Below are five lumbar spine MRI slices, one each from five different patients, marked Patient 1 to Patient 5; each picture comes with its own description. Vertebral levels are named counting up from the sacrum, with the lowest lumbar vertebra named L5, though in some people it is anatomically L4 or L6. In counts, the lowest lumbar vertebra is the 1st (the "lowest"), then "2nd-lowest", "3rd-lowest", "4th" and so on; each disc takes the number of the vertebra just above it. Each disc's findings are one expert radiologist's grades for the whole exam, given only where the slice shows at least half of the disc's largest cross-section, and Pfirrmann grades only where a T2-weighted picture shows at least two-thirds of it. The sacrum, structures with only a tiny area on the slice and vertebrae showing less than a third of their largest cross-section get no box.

Patient 1 of 5:
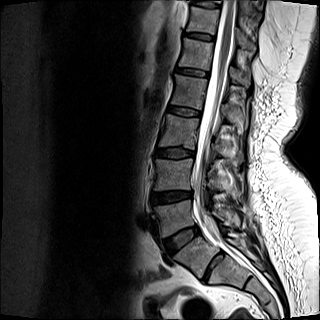 MRI lumbar spine (T2-weighted), sagittal plane. Field of view 280x280 mm, slice spacing 4.8 mm.

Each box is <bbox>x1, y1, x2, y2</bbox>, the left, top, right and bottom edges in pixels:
T12 (6th vertebra) = <bbox>186, 6, 255, 51</bbox>.
L1 (5th vertebra) = <bbox>179, 38, 249, 87</bbox>.
Thecal sac / spinal canal = <bbox>195, 0, 234, 243</bbox>.
Disc L4/L5 (2nd-lowest disc) = <bbox>153, 191, 192, 204</bbox>.
L5 (lowest vertebra) = <bbox>154, 200, 239, 237</bbox>.
L2 (4th vertebra) = <bbox>171, 74, 248, 128</bbox>.
L4 (2nd-lowest vertebra) = <bbox>154, 158, 223, 190</bbox>.
Disc L2/L3 (4th disc) = <bbox>168, 106, 200, 116</bbox>.
Disc L3/L4 (3rd-lowest disc) = <bbox>156, 148, 194, 158</bbox>.
L3 (3rd-lowest vertebra) = <bbox>159, 114, 243, 162</bbox>.
T12/L1 (6th disc) = <bbox>184, 32, 214, 40</bbox>.
L5/S1 (lowest disc) = <bbox>164, 226, 200, 255</bbox>.
L1/L2 (5th disc) = <bbox>175, 68, 209, 77</bbox>.

Expert MSK radiologist gradings (per disc):
  L4/L5 (2nd-lowest disc): Pfirrmann grade 3, disc narrowing, disc bulging, Modic type II
  T12/L1 (6th disc): Pfirrmann grade 2
  L3/L4 (3rd-lowest disc): Pfirrmann grade 2, lower-endplate change
  L2/L3 (4th disc): Pfirrmann grade 2
  L1/L2 (5th disc): Pfirrmann grade 2
  L5/S1 (lowest disc): Pfirrmann grade 2

Patient 2 of 5:
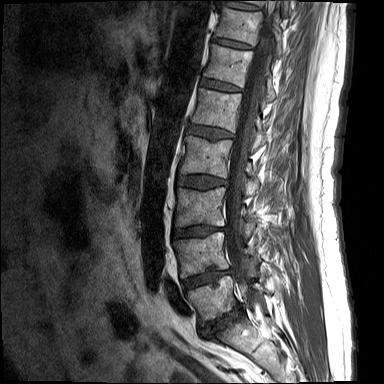
Slice 9/15, MRI lumbar spine (T1-weighted), sagittal plane, Field of view 280x280 mm, Image 384x384
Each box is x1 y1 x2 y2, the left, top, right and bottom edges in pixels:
thecal sac / spinal canal: 226 1 275 319
8th disc: 221 1 260 10
6th vertebra: 204 44 275 101
7th vertebra: 215 6 282 56
8th vertebra: 243 0 288 16
5th disc: 188 124 233 140
lowest disc: 201 305 242 332
lowest vertebra: 187 276 266 324
6th disc: 201 78 240 90
3rd-lowest vertebra: 175 187 255 233
2nd-lowest disc: 183 269 233 290
3rd-lowest disc: 173 225 227 236
7th disc: 213 38 252 49
5th vertebra: 192 88 268 150
4th vertebra: 180 136 259 194
4th disc: 178 175 227 189
2nd-lowest vertebra: 174 232 260 278

Degenerative findings by level:
  2nd-lowest disc: Modic type II, lower-endplate change, disc narrowing, disc bulging, upper-endplate change
  4th disc: disc bulging
  5th disc: disc bulging, upper-endplate change
  3rd-lowest disc: lower-endplate change, disc bulging, disc narrowing, upper-endplate change
  lowest disc: lower-endplate change, disc narrowing, upper-endplate change, disc bulging, Modic type II
  7th disc, 8th disc, 6th disc: no herniation, bulging, narrowing, spondylolisthesis, endplate or Modic change recorded

Patient 3 of 5:
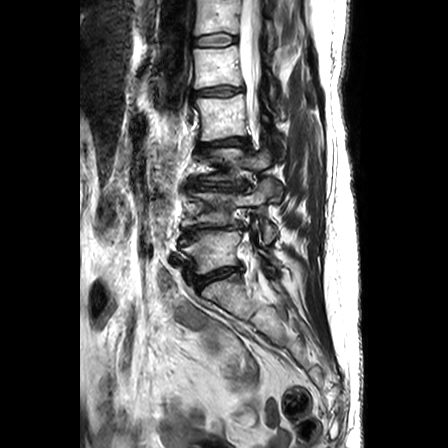
Sagittal T2-weighted lumbar spine MRI, 448x448 px
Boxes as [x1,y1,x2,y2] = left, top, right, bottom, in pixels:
Segmented structures:
• intervertebral disc L2/L3 at [197,136,249,151]
• L4 vertebra at [182,179,281,243]
• intervertebral disc L3/L4 at [191,180,247,189]
• L1 vertebra at [194,45,276,100]
• L3 at [197,146,271,180]
• T12 at [195,0,275,51]
• L1/L2 at [193,86,242,96]
• thecal sac / spinal canal at [240,0,261,124]
• intervertebral disc L4/L5 at [183,223,242,240]
• L5 vertebra at [182,230,278,274]
• intervertebral disc L5/S1 at [194,266,242,289]
• intervertebral disc T12/L1 at [193,34,238,45]
• L2 at [193,94,285,157]

Per-level radiological findings:
• L5/S1: Pfirrmann grade 3, lower-endplate change, upper-endplate change, disc bulging, disc narrowing
• L1/L2: Pfirrmann grade 2, disc bulging
• T12/L1: Pfirrmann grade 1
• L2/L3: Pfirrmann grade 3, disc narrowing, lower-endplate change, disc bulging, upper-endplate change
• L3/L4: Pfirrmann grade 5, disc narrowing, upper-endplate change, disc bulging, lower-endplate change, Modic type II
• L4/L5: upper-endplate change, Modic type II, lower-endplate change, disc bulging, disc narrowing

Patient 4 of 5:
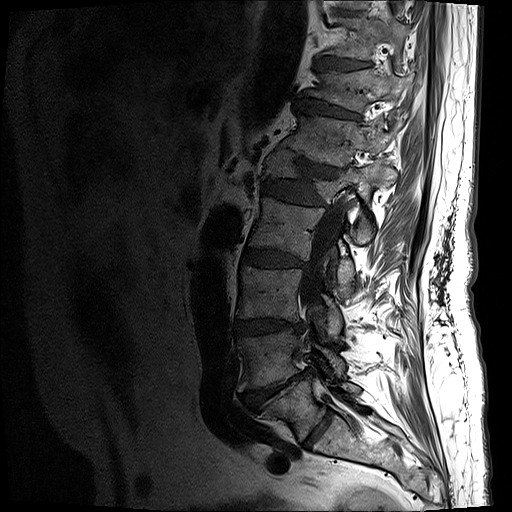
512x512 px, Sagittal T1-weighted lumbar spine MRI

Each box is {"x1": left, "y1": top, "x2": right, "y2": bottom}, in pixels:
Spinal canal at {"x1": 300, "y1": 194, "x2": 349, "y2": 337}.
7th disc at {"x1": 295, "y1": 98, "x2": 359, "y2": 119}.
6th disc at {"x1": 279, "y1": 147, "x2": 339, "y2": 177}.
6th vertebra at {"x1": 283, "y1": 113, "x2": 398, "y2": 184}.
3rd-lowest disc at {"x1": 235, "y1": 319, "x2": 302, "y2": 334}.
2nd-lowest disc at {"x1": 244, "y1": 370, "x2": 309, "y2": 410}.
Lowest disc at {"x1": 304, "y1": 411, "x2": 333, "y2": 447}.
8th vertebra at {"x1": 327, "y1": 19, "x2": 410, "y2": 59}.
5th disc at {"x1": 262, "y1": 179, "x2": 326, "y2": 205}.
3rd-lowest vertebra at {"x1": 238, "y1": 266, "x2": 342, "y2": 340}.
2nd-lowest vertebra at {"x1": 238, "y1": 329, "x2": 344, "y2": 388}.
8th disc at {"x1": 314, "y1": 58, "x2": 367, "y2": 69}.
4th disc at {"x1": 242, "y1": 249, "x2": 308, "y2": 268}.
5th vertebra at {"x1": 265, "y1": 153, "x2": 397, "y2": 241}.
Lowest vertebra at {"x1": 265, "y1": 374, "x2": 361, "y2": 440}.
7th vertebra at {"x1": 305, "y1": 69, "x2": 412, "y2": 111}.
4th vertebra at {"x1": 249, "y1": 197, "x2": 355, "y2": 294}.

Degenerative findings by level:
- 5th disc: disc bulging, upper-endplate change, lower-endplate change, disc narrowing
- 4th disc: upper-endplate change, lower-endplate change, disc bulging, Modic type II, disc narrowing
- 3rd-lowest disc: disc bulging, lower-endplate change, upper-endplate change, disc narrowing
- 2nd-lowest disc: disc bulging, lower-endplate change, Modic type II, disc narrowing, upper-endplate change, disc herniation
- 6th disc: disc narrowing, upper-endplate change, lower-endplate change, disc bulging
- 7th disc: disc narrowing, lower-endplate change, disc bulging, upper-endplate change
- 8th disc: upper-endplate change, lower-endplate change, disc bulging
- lowest disc: no Modic or endplate change, herniation, narrowing, bulging or spondylolisthesis recorded

Patient 5 of 5:
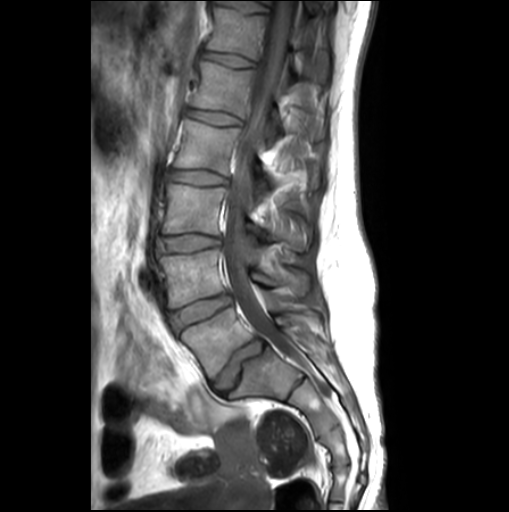 Patient sex: F, T1-weighted sagittal MRI of the lumbar spine
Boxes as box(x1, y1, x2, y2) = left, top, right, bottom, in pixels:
{"T12 vertebra": "box(207, 8, 294, 78)", "L5": "box(181, 308, 322, 378)", "L4": "box(159, 250, 311, 308)", "disc L5/S1": "box(213, 338, 265, 394)", "spinal canal": "box(222, 1, 297, 355)", "L3/L4": "box(156, 234, 218, 256)", "L4/L5": "box(169, 294, 231, 332)", "L1/L2": "box(185, 108, 240, 125)", "disc L2/L3": "box(166, 168, 228, 184)", "L1 vertebra": "box(191, 61, 324, 145)", "L3": "box(163, 184, 312, 253)", "L2 vertebra": "box(174, 120, 320, 199)", "T12/L1": "box(201, 51, 254, 67)"}

Radiological gradings:
• L5/S1: disc bulging, lower-endplate change, upper-endplate change
• L3/L4: disc bulging
• L4/L5: disc bulging
• T12/L1, L2/L3, L1/L2: no herniation, bulging, narrowing, spondylolisthesis, endplate or Modic change recorded